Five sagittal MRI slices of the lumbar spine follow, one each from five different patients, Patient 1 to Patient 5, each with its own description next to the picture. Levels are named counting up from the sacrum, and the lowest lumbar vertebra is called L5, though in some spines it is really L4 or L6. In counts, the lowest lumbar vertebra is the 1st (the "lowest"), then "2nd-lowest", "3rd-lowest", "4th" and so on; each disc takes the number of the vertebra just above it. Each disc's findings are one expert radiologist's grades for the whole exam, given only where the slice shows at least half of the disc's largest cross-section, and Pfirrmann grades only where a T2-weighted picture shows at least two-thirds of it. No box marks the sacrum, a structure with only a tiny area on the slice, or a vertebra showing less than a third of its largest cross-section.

Patient 1 of 5:
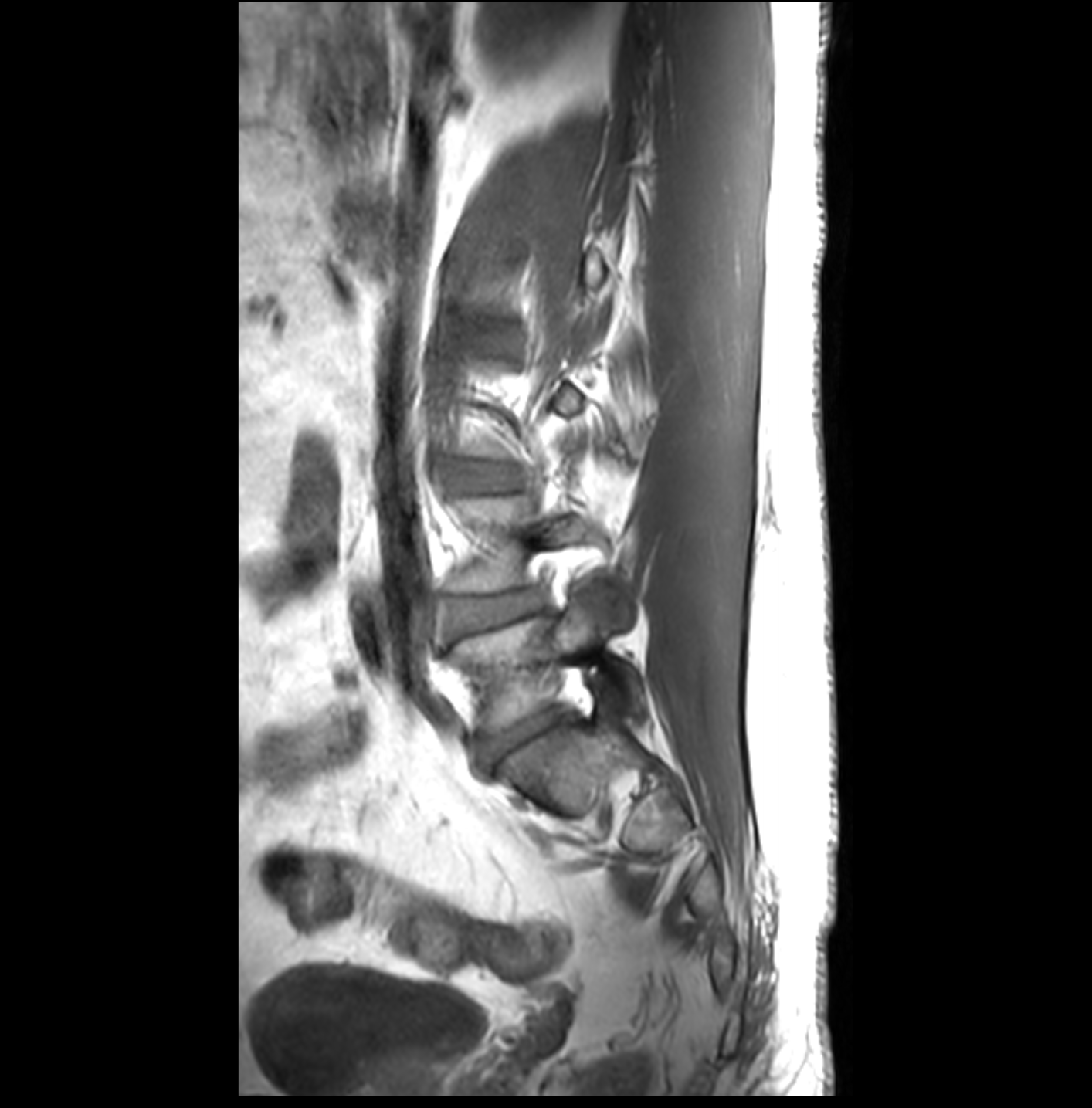 Lumbar spine MR, T1-weighted, sagittal.
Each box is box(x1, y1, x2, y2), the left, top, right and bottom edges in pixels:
L5 — box(452, 590, 644, 733).
L3/L4 — box(460, 463, 517, 489).
L4 — box(450, 496, 591, 594).
Disc L4/L5 — box(450, 591, 540, 635).
Disc L5/S1 — box(480, 707, 561, 764).

Expert MSK radiologist gradings (per disc):
  L4/L5: disc herniation
  L5/S1: no spondylolisthesis, narrowing, bulging, herniation, Modic or endplate change recorded

Patient 2 of 5:
T2 SPACE (3D) sagittal MRI of the lumbar spine; 512x640 px

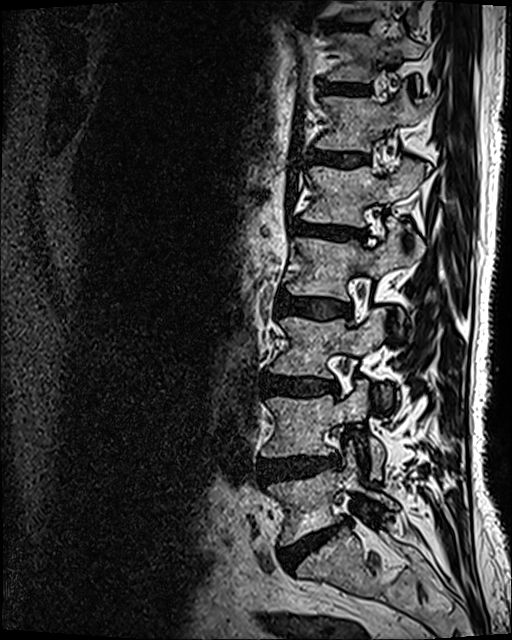

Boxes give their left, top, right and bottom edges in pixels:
L3 (3rd-lowest vertebra) — left=270, top=307, right=389, bottom=402.
L5 (lowest vertebra) — left=267, top=457, right=398, bottom=544.
Disc L1/L2 (5th disc) — left=295, top=222, right=364, bottom=238.
T12/L1 (6th disc) — left=313, top=153, right=366, bottom=165.
L5/S1 (lowest disc) — left=278, top=520, right=347, bottom=570.
T11 (7th vertebra) — left=327, top=34, right=424, bottom=83.
L1 (5th vertebra) — left=302, top=159, right=426, bottom=227.
Disc L2/L3 (4th disc) — left=276, top=293, right=349, bottom=319.
L2 (4th vertebra) — left=287, top=233, right=423, bottom=331.
L4 (2nd-lowest vertebra) — left=261, top=379, right=383, bottom=477.
T11/T12 (7th disc) — left=319, top=84, right=368, bottom=93.
Disc L3/L4 (3rd-lowest disc) — left=260, top=374, right=337, bottom=394.
T12 (6th vertebra) — left=316, top=88, right=426, bottom=152.
Disc L4/L5 (2nd-lowest disc) — left=258, top=454, right=338, bottom=484.
Disc T10/T11 (8th disc) — left=335, top=21, right=364, bottom=29.

Expert MSK radiologist gradings (per disc):
• L2/L3 (4th disc): Pfirrmann grade 3, disc bulging
• L3/L4 (3rd-lowest disc): Pfirrmann grade 4, disc bulging, Modic type II, lower-endplate change, disc narrowing
• L5/S1 (lowest disc): lower-endplate change, disc bulging, Modic type II, disc narrowing
• L4/L5 (2nd-lowest disc): Pfirrmann grade 4, disc bulging, disc herniation
• L1/L2 (5th disc): disc bulging, lower-endplate change, Modic type II, upper-endplate change, disc narrowing
• T12/L1 (6th disc), T11/T12 (7th disc): no Modic or endplate change, herniation, narrowing, bulging or spondylolisthesis recorded

Patient 3 of 5:
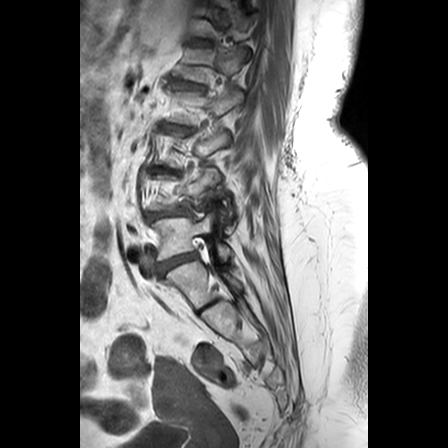
Lumbar spine MR, T1-weighted, sagittal | Sex F
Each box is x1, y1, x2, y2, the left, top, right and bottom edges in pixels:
{"L5 vertebra": "150, 209, 232, 257", "L5/S1": "157, 249, 196, 271", "T12": "195, 3, 253, 33", "L4/L5": "147, 206, 189, 217", "L1/L2": "179, 80, 202, 87", "L1": "182, 42, 244, 79"}

Radiological gradings:
- L5/S1: disc bulging

Patient 4 of 5:
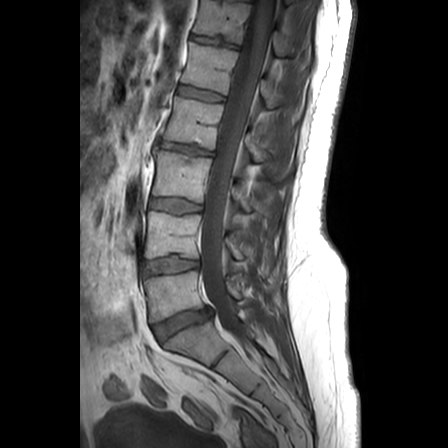 Slice spacing 3.3 mm. MRI lumbar spine (T1-weighted), sagittal plane. 448x448 px.
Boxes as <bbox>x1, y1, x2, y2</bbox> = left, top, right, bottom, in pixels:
Annotations:
- 3rd-lowest disc at <bbox>150, 198, 201, 213</bbox>
- lowest disc at <bbox>153, 309, 210, 341</bbox>
- 2nd-lowest vertebra at <bbox>145, 211, 242, 259</bbox>
- 6th vertebra at <bbox>194, 0, 285, 56</bbox>
- 4th vertebra at <bbox>162, 97, 289, 177</bbox>
- spinal canal at <bbox>200, 0, 274, 348</bbox>
- 5th vertebra at <bbox>181, 42, 299, 121</bbox>
- 2nd-lowest disc at <bbox>144, 256, 198, 274</bbox>
- 5th disc at <bbox>177, 85, 224, 101</bbox>
- 4th disc at <bbox>159, 141, 212, 155</bbox>
- 3rd-lowest vertebra at <bbox>152, 148, 248, 211</bbox>
- lowest vertebra at <bbox>145, 270, 241, 322</bbox>
- 6th disc at <bbox>191, 34, 237, 48</bbox>

Radiological gradings:
  3rd-lowest disc: upper-endplate change
  2nd-lowest disc: lower-endplate change
  lowest disc: disc herniation
  4th disc: disc bulging, upper-endplate change, lower-endplate change, disc narrowing
  6th disc: lower-endplate change, upper-endplate change
  5th disc: no Modic or endplate change, herniation, narrowing, bulging or spondylolisthesis recorded

Patient 5 of 5:
T2 SPACE (3D) sagittal MRI of the lumbar spine. Sex F. Field of view 240x307 mm. Slice 45 of 139. 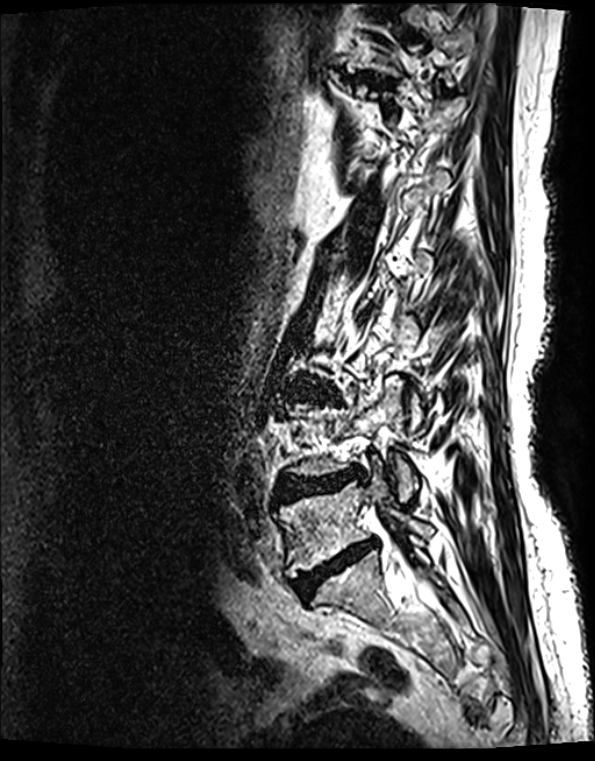
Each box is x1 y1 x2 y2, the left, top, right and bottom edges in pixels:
- L5 — 279 456 433 576
- L5/S1 — 295 540 376 597
- intervertebral disc L4/L5 — 279 470 352 499

Expert MSK radiologist gradings (per disc):
- L4/L5: disc bulging, disc herniation, upper-endplate change, lower-endplate change, disc narrowing, Modic type II
- L5/S1: Pfirrmann grade 5, lower-endplate change, Modic type II, upper-endplate change, disc bulging, disc narrowing